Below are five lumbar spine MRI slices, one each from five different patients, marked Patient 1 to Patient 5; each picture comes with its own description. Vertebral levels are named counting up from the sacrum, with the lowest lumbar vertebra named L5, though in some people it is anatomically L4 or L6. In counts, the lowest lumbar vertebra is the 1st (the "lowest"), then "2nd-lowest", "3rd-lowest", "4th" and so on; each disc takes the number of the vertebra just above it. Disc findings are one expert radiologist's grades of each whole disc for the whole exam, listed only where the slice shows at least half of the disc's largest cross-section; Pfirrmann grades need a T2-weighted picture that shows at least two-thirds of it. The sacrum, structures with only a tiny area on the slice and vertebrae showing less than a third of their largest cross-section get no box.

Patient 1 of 5:
T2-weighted sagittal MRI of the lumbar spine | Slice 7/21
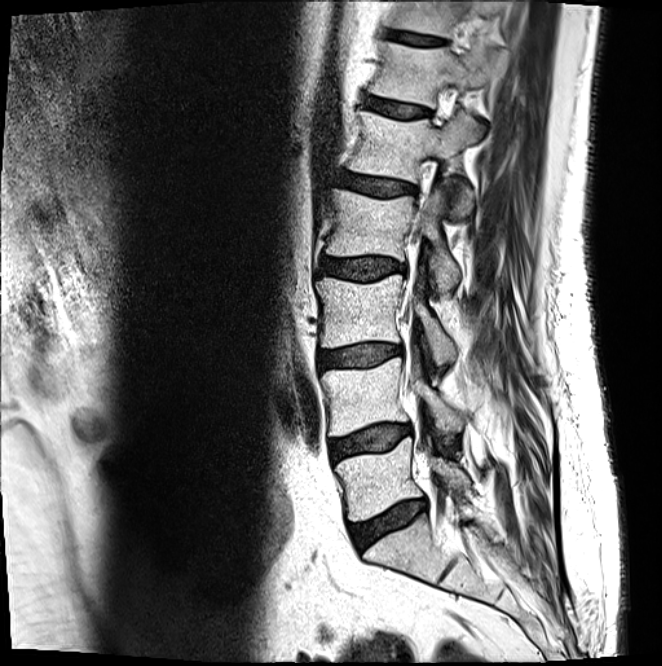 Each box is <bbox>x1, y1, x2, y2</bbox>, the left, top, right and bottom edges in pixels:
{"intervertebral disc L4/L5": "<bbox>330, 424, 412, 460</bbox>", "L1": "<bbox>348, 111, 481, 218</bbox>", "L5/S1": "<bbox>351, 499, 427, 549</bbox>", "T11/T12": "<bbox>389, 32, 443, 44</bbox>", "L2": "<bbox>326, 188, 459, 294</bbox>", "L2/L3": "<bbox>319, 257, 405, 280</bbox>", "L4 vertebra": "<bbox>321, 357, 465, 441</bbox>", "T11 vertebra": "<bbox>393, 0, 503, 37</bbox>", "T12": "<bbox>370, 42, 503, 108</bbox>", "L5 vertebra": "<bbox>335, 437, 470, 521</bbox>", "L1/L2": "<bbox>340, 172, 414, 195</bbox>", "L3/L4": "<bbox>318, 344, 401, 368</bbox>", "T12/L1": "<bbox>366, 98, 428, 118</bbox>", "L3": "<bbox>316, 274, 457, 366</bbox>"}

Expert MSK radiologist gradings (per disc):
  L5/S1: Pfirrmann grade 3, Modic type II, disc bulging, disc narrowing
  L2/L3: Pfirrmann grade 3, disc bulging
  T11/T12: Pfirrmann grade 3
  T12/L1: Pfirrmann grade 2
  L1/L2: Pfirrmann grade 3, disc bulging
  L3/L4: Pfirrmann grade 2, Modic type II, disc bulging
  L4/L5: Pfirrmann grade 2, Modic type II, disc bulging

Patient 2 of 5:
Lumbar spine MR, T2-weighted, sagittal. Image 461x462. Philips Healthcare Ingenia (3T). 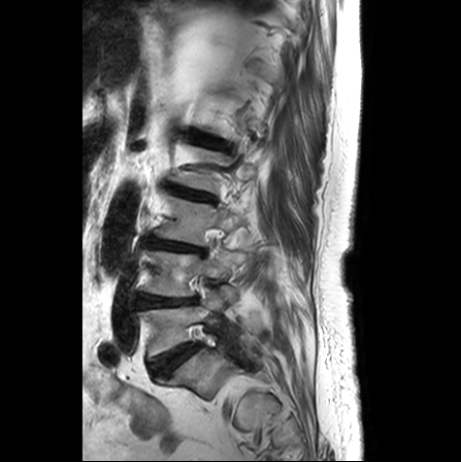
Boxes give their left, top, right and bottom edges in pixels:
2nd-lowest disc: left=138, top=294, right=196, bottom=307.
4th disc: left=171, top=185, right=215, bottom=201.
5th disc: left=192, top=132, right=231, bottom=151.
3rd-lowest vertebra: left=155, top=194, right=243, bottom=245.
2nd-lowest vertebra: left=145, top=251, right=244, bottom=296.
3rd-lowest disc: left=150, top=238, right=203, bottom=253.
Lowest vertebra: left=139, top=285, right=236, bottom=358.
Lowest disc: left=150, top=344, right=199, bottom=375.

Degenerative findings by level:
  5th disc: Pfirrmann grade 3, disc narrowing, upper-endplate change, disc bulging, lower-endplate change
  3rd-lowest disc: Pfirrmann grade 5, disc narrowing, Modic type II, lower-endplate change, upper-endplate change
  2nd-lowest disc: disc narrowing, Modic type II
  lowest disc: Pfirrmann grade 3, Modic type II
  4th disc: Pfirrmann grade 3, lower-endplate change, disc narrowing, upper-endplate change

Patient 3 of 5:
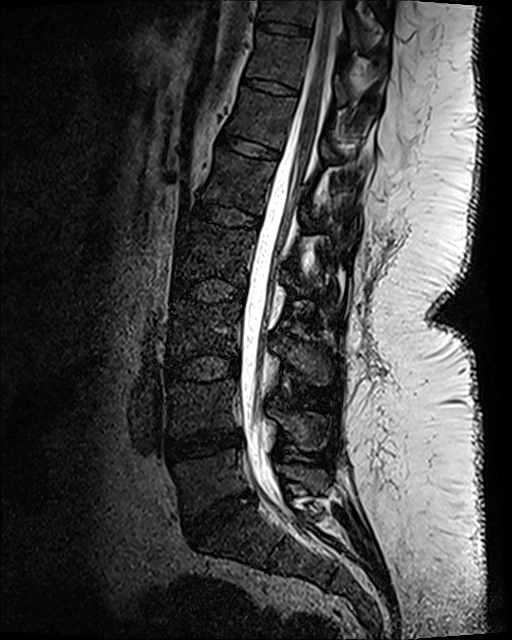 Sagittal slice index 56; T2 SPACE (3D) sagittal MRI of the lumbar spine; Image 512x640
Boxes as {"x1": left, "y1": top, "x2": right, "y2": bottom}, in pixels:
Annotations:
- 2nd-lowest vertebra at {"x1": 169, "y1": 380, "x2": 325, "y2": 449}
- 3rd-lowest disc at {"x1": 166, "y1": 354, "x2": 239, "y2": 382}
- lowest disc at {"x1": 186, "y1": 493, "x2": 254, "y2": 540}
- 3rd-lowest vertebra at {"x1": 169, "y1": 300, "x2": 333, "y2": 386}
- 4th vertebra at {"x1": 175, "y1": 220, "x2": 337, "y2": 316}
- 5th vertebra at {"x1": 204, "y1": 149, "x2": 355, "y2": 249}
- 2nd-lowest disc at {"x1": 165, "y1": 430, "x2": 240, "y2": 462}
- 4th disc at {"x1": 169, "y1": 278, "x2": 246, "y2": 302}
- lowest vertebra at {"x1": 174, "y1": 450, "x2": 326, "y2": 518}
- thecal sac / spinal canal at {"x1": 239, "y1": 1, "x2": 341, "y2": 497}
- 5th disc at {"x1": 184, "y1": 203, "x2": 259, "y2": 228}
- 8th vertebra at {"x1": 259, "y1": 0, "x2": 366, "y2": 53}
- 8th disc at {"x1": 257, "y1": 22, "x2": 312, "y2": 36}
- 7th disc at {"x1": 243, "y1": 77, "x2": 298, "y2": 96}
- 6th disc at {"x1": 217, "y1": 131, "x2": 278, "y2": 159}
- 7th vertebra at {"x1": 246, "y1": 31, "x2": 379, "y2": 109}
- 6th vertebra at {"x1": 228, "y1": 87, "x2": 338, "y2": 162}

Expert MSK radiologist gradings (per disc):
• 3rd-lowest disc: Pfirrmann grade 1
• 8th disc: Pfirrmann grade 1
• 5th disc: Pfirrmann grade 1
• 7th disc: Pfirrmann grade 1
• 4th disc: Pfirrmann grade 1
• lowest disc: Pfirrmann grade 4, disc narrowing, disc bulging
• 2nd-lowest disc: Pfirrmann grade 3, disc bulging, disc narrowing
• 6th disc: Pfirrmann grade 1

Patient 4 of 5:
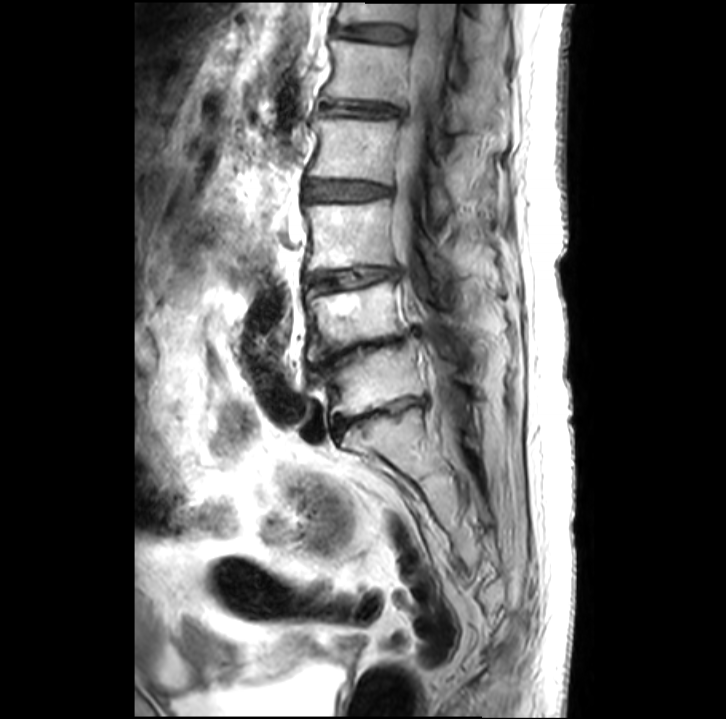 Field of view 285x282 mm, slice spacing 3.4 mm. Sagittal slice index 18. T2-weighted sagittal MRI of the lumbar spine.
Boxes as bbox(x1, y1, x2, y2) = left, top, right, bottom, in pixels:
Annotations:
• 2nd-lowest vertebra — bbox(306, 280, 470, 360)
• 4th vertebra — bbox(309, 115, 452, 217)
• 3rd-lowest disc — bbox(306, 266, 396, 290)
• 6th vertebra — bbox(338, 1, 482, 58)
• 5th disc — bbox(319, 101, 399, 114)
• lowest vertebra — bbox(312, 337, 476, 415)
• 6th disc — bbox(335, 24, 409, 40)
• 5th vertebra — bbox(322, 37, 470, 131)
• 3rd-lowest vertebra — bbox(306, 199, 452, 284)
• 2nd-lowest disc — bbox(309, 327, 418, 369)
• spinal canal — bbox(393, 3, 455, 423)
• 4th disc — bbox(306, 180, 389, 198)
• lowest disc — bbox(332, 397, 426, 433)

Radiological gradings:
  4th disc: Pfirrmann grade 2
  5th disc: Pfirrmann grade 4, disc bulging, disc narrowing
  3rd-lowest disc: Pfirrmann grade 3, Modic type II, disc narrowing
  2nd-lowest disc: Pfirrmann grade 5, disc narrowing
  lowest disc: Pfirrmann grade 5, Modic type II, disc narrowing
  6th disc: Pfirrmann grade 2, disc bulging

Patient 5 of 5:
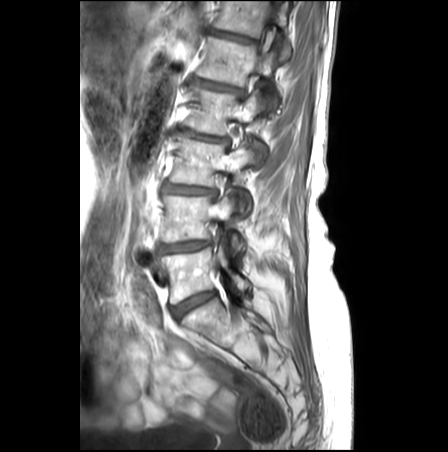 Image 448x452 | Slice 19 of 27 | Patient sex: F | MRI lumbar spine (T1-weighted), sagittal plane

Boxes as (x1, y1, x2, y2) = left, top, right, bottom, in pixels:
Structures:
• L1/L2 = (195, 79, 241, 93)
• L4 vertebra = (161, 189, 244, 255)
• L5 = (162, 241, 250, 304)
• T12 = (214, 1, 290, 62)
• L1 vertebra = (197, 37, 276, 108)
• L5/S1 = (171, 291, 215, 319)
• L3 vertebra = (170, 136, 256, 216)
• IVD L2/L3 = (182, 130, 227, 143)
• L2 vertebra = (183, 89, 265, 169)
• IVD L3/L4 = (163, 184, 215, 196)
• L4/L5 = (159, 241, 208, 254)
• IVD T12/L1 = (210, 30, 255, 43)

Expert MSK radiologist gradings (per disc):
- L2/L3: disc bulging, upper-endplate change, Modic type II, disc narrowing, lower-endplate change
- L1/L2: upper-endplate change, disc bulging, lower-endplate change
- L4/L5: Modic type II, disc narrowing, disc bulging, upper-endplate change, lower-endplate change
- L3/L4: lower-endplate change, upper-endplate change, disc narrowing, disc bulging, Modic type II
- T12/L1: upper-endplate change, lower-endplate change
- L5/S1: no herniation, bulging, narrowing, spondylolisthesis, endplate or Modic change recorded